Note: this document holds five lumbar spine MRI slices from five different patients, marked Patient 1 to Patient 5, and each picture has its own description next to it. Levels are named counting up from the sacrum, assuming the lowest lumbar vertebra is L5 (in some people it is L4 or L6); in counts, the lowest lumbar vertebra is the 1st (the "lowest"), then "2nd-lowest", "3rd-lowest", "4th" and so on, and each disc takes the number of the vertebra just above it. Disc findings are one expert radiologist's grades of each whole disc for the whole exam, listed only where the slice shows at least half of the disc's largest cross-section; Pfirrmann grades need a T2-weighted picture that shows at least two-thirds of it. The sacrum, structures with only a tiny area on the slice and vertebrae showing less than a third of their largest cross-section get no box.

Patient 1 of 5:
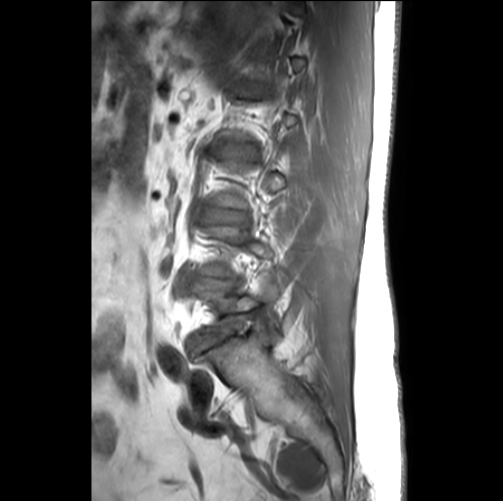 MRI lumbar spine (T1-weighted), sagittal plane | Slice 21/26

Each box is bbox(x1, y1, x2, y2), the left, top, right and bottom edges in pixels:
L5 vertebra — bbox(202, 273, 282, 334).
L3/L4 — bbox(205, 209, 244, 223).
Intervertebral disc L5/S1 — bbox(187, 333, 230, 357).
L4/L5 — bbox(194, 276, 234, 287).

Patient 2 of 5:
T2 SPACE (3D) sagittal MRI of the lumbar spine. Sagittal slice index 107. Slice spacing 0.9 mm. 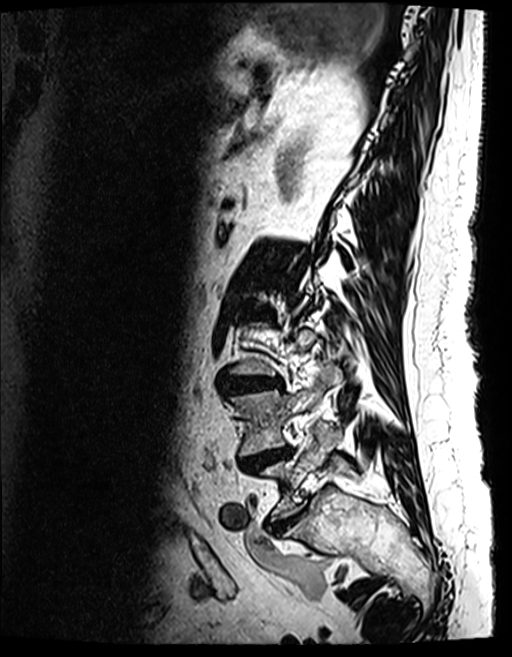
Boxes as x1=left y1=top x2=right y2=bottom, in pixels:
• lowest disc — x1=267 y1=507 x2=303 y2=533
• 2nd-lowest vertebra — x1=228 y1=366 x2=340 y2=456
• 4th disc — x1=249 y1=309 x2=265 y2=317
• 2nd-lowest disc — x1=239 y1=447 x2=291 y2=470
• lowest vertebra — x1=258 y1=422 x2=341 y2=518
• 3rd-lowest disc — x1=226 y1=378 x2=279 y2=389

Radiological gradings:
- 2nd-lowest disc: Pfirrmann grade 5, disc bulging, upper-endplate change, Modic type II, lower-endplate change, disc narrowing
- 3rd-lowest disc: lower-endplate change, disc bulging, disc narrowing, Modic type II, upper-endplate change

Patient 3 of 5:
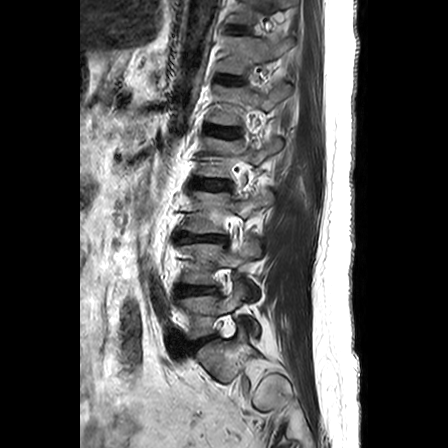 Patient sex: F; MRI lumbar spine (T2-weighted), sagittal plane; 448x448 px

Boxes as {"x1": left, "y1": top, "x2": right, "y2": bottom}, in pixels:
5th disc = {"x1": 206, "y1": 126, "x2": 238, "y2": 137} | 7th disc = {"x1": 226, "y1": 25, "x2": 248, "y2": 34} | 2nd-lowest vertebra = {"x1": 179, "y1": 236, "x2": 260, "y2": 298} | 4th vertebra = {"x1": 197, "y1": 137, "x2": 282, "y2": 178} | 2nd-lowest disc = {"x1": 177, "y1": 286, "x2": 216, "y2": 296} | lowest disc = {"x1": 193, "y1": 337, "x2": 213, "y2": 348} | 7th vertebra = {"x1": 227, "y1": 0, "x2": 294, "y2": 24} | 4th disc = {"x1": 192, "y1": 179, "x2": 229, "y2": 189} | 6th vertebra = {"x1": 219, "y1": 36, "x2": 294, "y2": 74} | 5th vertebra = {"x1": 209, "y1": 83, "x2": 290, "y2": 125} | 3rd-lowest vertebra = {"x1": 182, "y1": 191, "x2": 274, "y2": 233} | 3rd-lowest disc = {"x1": 176, "y1": 233, "x2": 227, "y2": 243} | lowest vertebra = {"x1": 177, "y1": 280, "x2": 258, "y2": 338} | 6th disc = {"x1": 216, "y1": 75, "x2": 244, "y2": 84}

Degenerative findings by level:
  3rd-lowest disc: Pfirrmann grade 3, lower-endplate change, Modic type II, disc narrowing, disc herniation, upper-endplate change
  4th disc, 6th disc, 5th disc, 7th disc: no Modic or endplate change, herniation, narrowing, bulging or spondylolisthesis recorded

Patient 4 of 5:
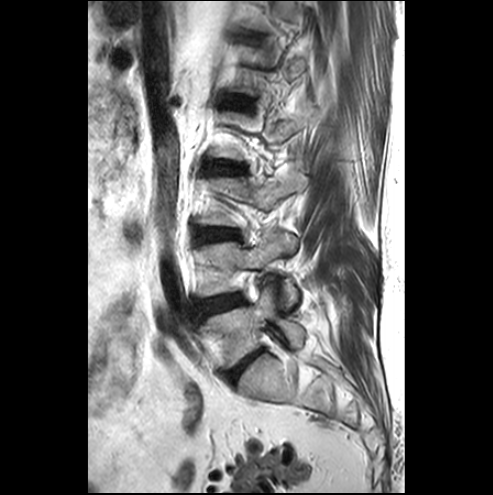 Lumbar spine MR, T2-weighted, sagittal; Patient sex: M
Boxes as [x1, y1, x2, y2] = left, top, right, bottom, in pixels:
3rd-lowest disc: [198, 229, 237, 240] | lowest disc: [230, 350, 261, 381] | 2nd-lowest vertebra: [198, 230, 297, 308] | 5th disc: [224, 97, 249, 106] | 2nd-lowest disc: [197, 294, 241, 311] | 4th disc: [207, 162, 242, 173] | lowest vertebra: [201, 286, 304, 366]

Patient 5 of 5:
Sex M. Field of view 240x308 mm. Lumbar spine MR, T2 SPACE (3D), sagittal.

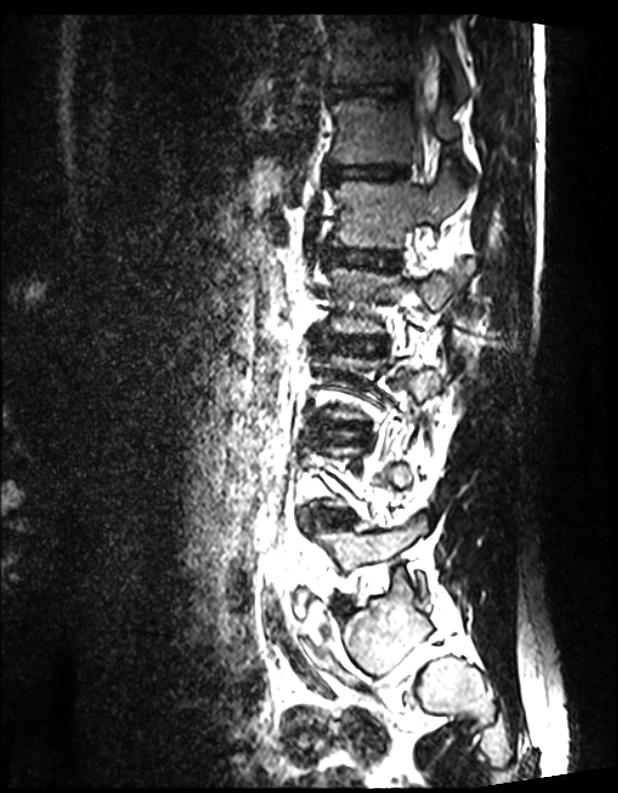 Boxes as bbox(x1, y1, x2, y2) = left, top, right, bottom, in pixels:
5th vertebra at bbox(334, 174, 470, 247).
7th disc at bbox(329, 83, 407, 99).
6th disc at bbox(328, 165, 405, 179).
7th vertebra at bbox(332, 15, 468, 101).
6th vertebra at bbox(334, 97, 469, 177).
5th disc at bbox(327, 249, 394, 267).
2nd-lowest disc at bbox(333, 520, 346, 525).
Spinal canal at bbox(409, 26, 438, 109).
4th disc at bbox(332, 337, 370, 353).

Per-level radiological findings:
• 7th disc: Pfirrmann grade 1
• 6th disc: Pfirrmann grade 1
• 5th disc: no Modic or endplate change, herniation, narrowing, bulging or spondylolisthesis recorded